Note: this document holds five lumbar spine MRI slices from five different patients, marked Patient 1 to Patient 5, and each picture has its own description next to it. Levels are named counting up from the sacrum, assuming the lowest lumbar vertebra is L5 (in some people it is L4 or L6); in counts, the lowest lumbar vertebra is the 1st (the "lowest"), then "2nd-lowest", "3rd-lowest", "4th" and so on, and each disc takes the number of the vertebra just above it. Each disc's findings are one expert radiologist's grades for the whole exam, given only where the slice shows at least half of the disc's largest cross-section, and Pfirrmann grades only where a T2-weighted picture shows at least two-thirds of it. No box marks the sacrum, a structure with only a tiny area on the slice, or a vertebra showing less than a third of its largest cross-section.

Patient 1 of 5:
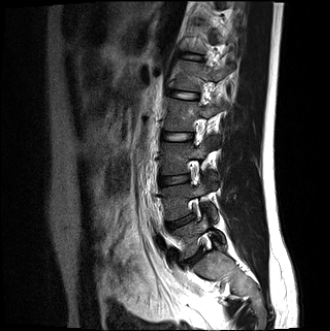

MRI lumbar spine (T2-weighted), sagittal plane
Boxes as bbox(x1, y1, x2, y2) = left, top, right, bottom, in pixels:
- 5th vertebra at bbox(172, 59, 233, 91)
- 6th disc at bbox(186, 54, 201, 60)
- lowest disc at bbox(188, 249, 203, 263)
- lowest vertebra at bbox(173, 215, 224, 258)
- 4th vertebra at bbox(163, 99, 225, 144)
- 3rd-lowest disc at bbox(159, 175, 188, 185)
- 4th disc at bbox(161, 133, 192, 140)
- 2nd-lowest disc at bbox(167, 215, 194, 229)
- 2nd-lowest vertebra at bbox(161, 182, 216, 220)
- 3rd-lowest vertebra at bbox(161, 140, 216, 183)
- 5th disc at bbox(170, 91, 197, 99)

Degenerative findings by level:
- 5th disc: Pfirrmann grade 2
- 3rd-lowest disc: Pfirrmann grade 2
- 4th disc: Pfirrmann grade 2

Patient 2 of 5:
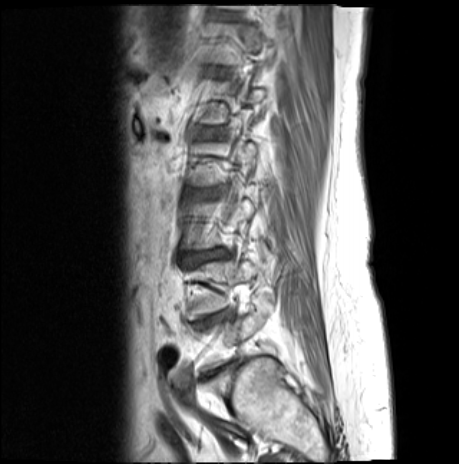 T1-weighted sagittal MRI of the lumbar spine. Image 459x464. Slice 15 of 19. Patient sex: F.
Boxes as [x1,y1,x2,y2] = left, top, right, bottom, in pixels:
2nd-lowest vertebra: [189,259,266,319].
Lowest vertebra: [202,296,274,371].
3rd-lowest disc: [194,249,228,261].
2nd-lowest disc: [196,312,233,327].

Patient 3 of 5:
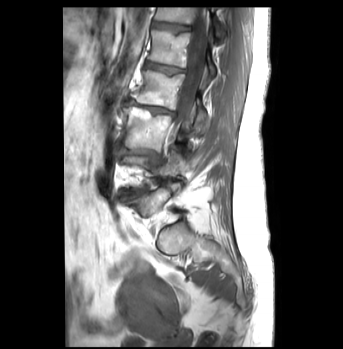

Sagittal T1-weighted lumbar spine MRI

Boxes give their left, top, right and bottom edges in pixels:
Disc L1/L2: left=144, top=60, right=185, bottom=74.
L2 vertebra: left=133, top=70, right=206, bottom=129.
Disc L4/L5: left=123, top=191, right=145, bottom=198.
Disc L2/L3: left=124, top=98, right=174, bottom=115.
L3: left=123, top=107, right=187, bottom=150.
L3/L4: left=114, top=142, right=159, bottom=157.
Spinal canal: left=172, top=7, right=208, bottom=133.
T12 vertebra: left=154, top=6, right=223, bottom=36.
L5: left=128, top=183, right=179, bottom=216.
Disc T12/L1: left=152, top=21, right=190, bottom=31.
L1 vertebra: left=148, top=30, right=215, bottom=74.

Degenerative findings by level:
- L1/L2: upper-endplate change
- L2/L3: Modic type II, disc narrowing, disc bulging, lower-endplate change
- L3/L4: disc bulging, Modic type II
- T12/L1: upper-endplate change

Patient 4 of 5:
Lumbar spine MR, T2-weighted, sagittal. Image 796x800. 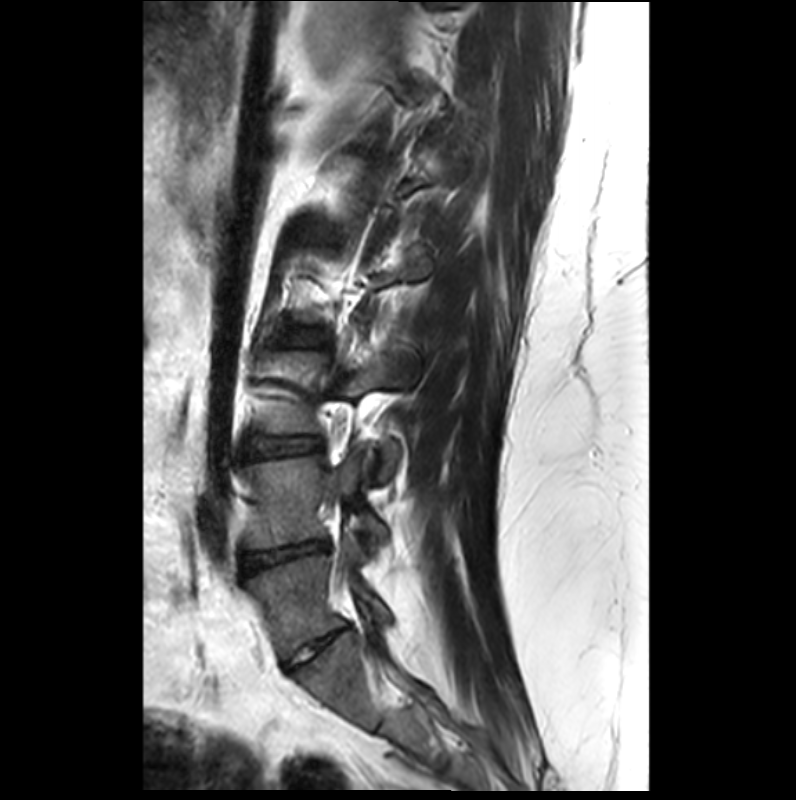

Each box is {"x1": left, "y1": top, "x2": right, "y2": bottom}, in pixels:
Lowest vertebra at {"x1": 248, "y1": 532, "x2": 391, "y2": 661}, lowest disc at {"x1": 284, "y1": 625, "x2": 352, "y2": 671}, 2nd-lowest disc at {"x1": 242, "y1": 542, "x2": 326, "y2": 570}, 3rd-lowest disc at {"x1": 252, "y1": 436, "x2": 317, "y2": 456}, 2nd-lowest vertebra at {"x1": 245, "y1": 456, "x2": 386, "y2": 548}.

Radiological gradings:
• lowest disc: Pfirrmann grade 3, disc narrowing
• 3rd-lowest disc: no spondylolisthesis, narrowing, bulging, herniation, Modic or endplate change recorded

Patient 5 of 5:
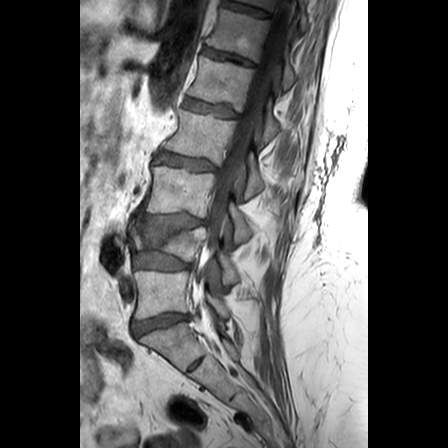 T1-weighted sagittal MRI of the lumbar spine

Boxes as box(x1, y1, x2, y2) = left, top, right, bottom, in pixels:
Structures:
* 2nd-lowest disc — box(133, 250, 190, 270)
* lowest disc — box(131, 313, 187, 335)
* 6th vertebra — box(206, 8, 295, 89)
* 4th vertebra — box(164, 108, 294, 199)
* 7th disc — box(223, 0, 271, 18)
* 6th disc — box(203, 47, 254, 66)
* 3rd-lowest vertebra — box(146, 164, 250, 242)
* 7th vertebra — box(237, 0, 308, 30)
* 2nd-lowest vertebra — box(132, 223, 238, 284)
* 3rd-lowest disc — box(137, 214, 206, 226)
* 5th disc — box(184, 98, 237, 117)
* 5th vertebra — box(188, 56, 280, 142)
* 4th disc — box(156, 151, 216, 170)
* lowest vertebra — box(134, 270, 230, 318)
* thecal sac / spinal canal — box(193, 0, 289, 311)

Degenerative findings by level:
- 2nd-lowest disc: disc bulging, lower-endplate change
- 5th disc: upper-endplate change
- 7th disc: lower-endplate change
- lowest disc: disc bulging
- 3rd-lowest disc: lower-endplate change, disc bulging, upper-endplate change
- 6th disc: lower-endplate change, upper-endplate change
- 4th disc: upper-endplate change, lower-endplate change